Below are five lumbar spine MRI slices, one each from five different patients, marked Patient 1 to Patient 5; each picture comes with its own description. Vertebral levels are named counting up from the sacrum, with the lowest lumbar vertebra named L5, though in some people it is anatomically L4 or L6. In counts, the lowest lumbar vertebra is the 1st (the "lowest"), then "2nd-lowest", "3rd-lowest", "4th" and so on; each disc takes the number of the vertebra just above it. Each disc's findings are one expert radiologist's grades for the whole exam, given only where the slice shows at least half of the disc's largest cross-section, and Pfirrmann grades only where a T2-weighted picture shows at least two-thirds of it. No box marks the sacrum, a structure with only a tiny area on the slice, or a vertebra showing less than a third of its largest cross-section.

Patient 1 of 5:
512x652 px | T2 SPACE (3D) sagittal MRI of the lumbar spine | Field of view 240x306 mm
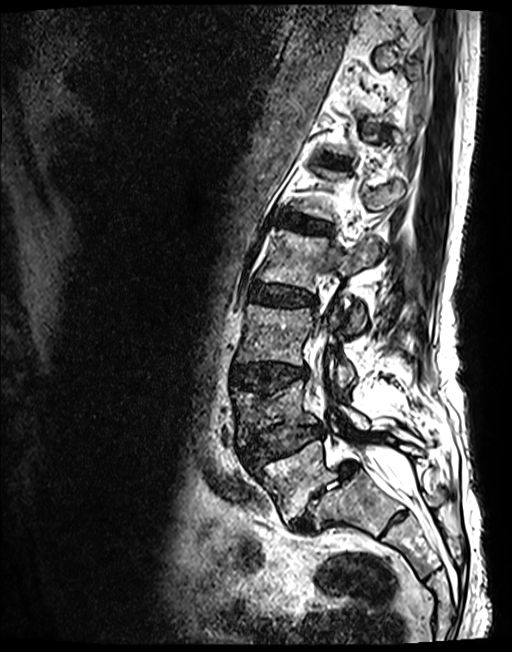

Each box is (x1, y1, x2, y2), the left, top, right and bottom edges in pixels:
L5/S1 (lowest disc) — (291, 461, 357, 532) | L4 (2nd-lowest vertebra) — (232, 380, 368, 445) | L5 (lowest vertebra) — (253, 440, 422, 521) | L2 (4th vertebra) — (259, 232, 379, 332) | L3 (3rd-lowest vertebra) — (238, 305, 354, 388) | intervertebral disc L3/L4 (3rd-lowest disc) — (232, 364, 307, 395) | L4/L5 (2nd-lowest disc) — (242, 425, 324, 465) | L2/L3 (4th disc) — (250, 284, 316, 306) | T12/L1 (6th disc) — (323, 156, 345, 165) | intervertebral disc L1/L2 (5th disc) — (279, 214, 329, 233) | spinal canal — (312, 330, 412, 494)

Radiological gradings:
• L2/L3 (4th disc): Pfirrmann grade 3, disc bulging
• L3/L4 (3rd-lowest disc): Pfirrmann grade 3, lower-endplate change, upper-endplate change, disc bulging
• L4/L5 (2nd-lowest disc): Pfirrmann grade 3, lower-endplate change, disc narrowing, upper-endplate change, disc herniation, spondylolisthesis
• L5/S1 (lowest disc): Pfirrmann grade 5, Modic type II, spondylolisthesis, disc narrowing, disc herniation
• L1/L2 (5th disc): no Modic or endplate change, herniation, narrowing, bulging or spondylolisthesis recorded

Patient 2 of 5:
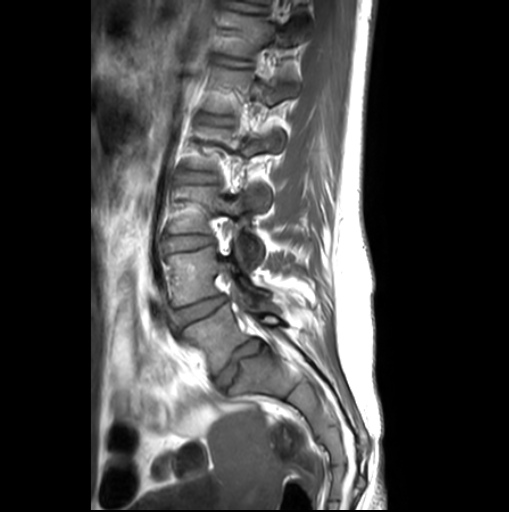
Sex F. MRI lumbar spine (T1-weighted), sagittal plane. 509x512 px.

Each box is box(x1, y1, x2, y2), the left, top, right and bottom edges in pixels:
Intervertebral disc L1/L2 at box(198, 113, 234, 126); L4 vertebra at box(168, 248, 268, 305); intervertebral disc L4/L5 at box(174, 296, 226, 326); L1 vertebra at box(205, 69, 299, 152); T12/L1 at box(215, 56, 250, 67); intervertebral disc L2/L3 at box(172, 168, 217, 185); L2 at box(189, 128, 272, 211); L3/L4 at box(163, 235, 213, 252); L5 at box(184, 302, 286, 374); L3 vertebra at box(169, 187, 263, 268); intervertebral disc L5/S1 at box(216, 339, 264, 387); T12 at box(223, 12, 313, 56).

Degenerative findings by level:
• L3/L4: disc bulging
• L5/S1: disc bulging, upper-endplate change, lower-endplate change
• L4/L5: disc bulging
• T12/L1, L2/L3, L1/L2: no herniation, bulging, narrowing, spondylolisthesis, endplate or Modic change recorded

Patient 3 of 5:
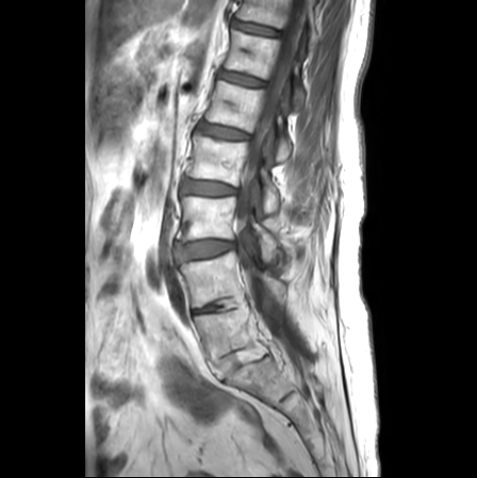 Sagittal T1-weighted lumbar spine MRI; Field of view 280x281 mm, slice spacing 3.3 mm

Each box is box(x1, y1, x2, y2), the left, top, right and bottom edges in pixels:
{"L1": "box(205, 81, 291, 160)", "T12/L1": "box(220, 71, 263, 86)", "L2/L3": "box(182, 179, 235, 194)", "L2": "box(186, 134, 279, 213)", "spinal canal": "box(235, 0, 307, 360)", "L4/L5": "box(194, 303, 223, 313)", "L1/L2": "box(198, 123, 247, 138)", "intervertebral disc L5/S1": "box(209, 350, 246, 379)", "T11/T12": "box(233, 21, 277, 35)", "L4 vertebra": "box(178, 251, 288, 307)", "T11": "box(236, 0, 317, 47)", "L5 vertebra": "box(194, 305, 268, 362)", "L3": "box(178, 196, 282, 261)", "L3/L4": "box(175, 240, 234, 261)", "T12": "box(225, 30, 304, 108)"}

Degenerative findings by level:
• L2/L3: disc bulging, upper-endplate change, lower-endplate change
• L4/L5: disc narrowing
• L3/L4: upper-endplate change, Modic type II, lower-endplate change, disc bulging
• L1/L2: upper-endplate change, lower-endplate change
• L5/S1, T11/T12, T12/L1: no Modic or endplate change, herniation, narrowing, bulging or spondylolisthesis recorded

Patient 4 of 5:
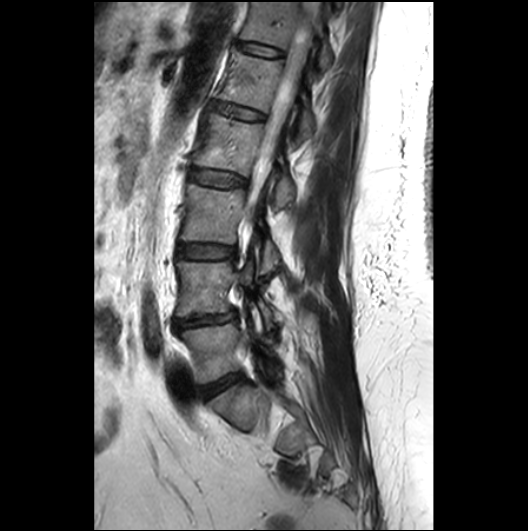
Image 528x531; Slice 18/26; MRI lumbar spine (T2-weighted), sagittal plane
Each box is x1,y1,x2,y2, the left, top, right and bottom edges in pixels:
5th disc at 211,102,265,120; lowest disc at 199,373,242,398; 4th disc at 190,167,246,187; 2nd-lowest vertebra at 177,261,277,331; 2nd-lowest disc at 173,309,237,331; 3rd-lowest disc at 178,243,237,258; 6th disc at 236,40,283,56; lowest vertebra at 181,323,273,383; 5th vertebra at 217,48,315,138; 3rd-lowest vertebra at 181,184,278,273; 6th vertebra at 240,1,332,69; thecal sac / spinal canal at 248,2,321,216; 4th vertebra at 193,113,295,207.

Radiological gradings:
  3rd-lowest disc: Pfirrmann grade 2
  6th disc: Pfirrmann grade 2
  4th disc: Pfirrmann grade 2
  5th disc: Pfirrmann grade 2
  2nd-lowest disc: Pfirrmann grade 3, disc narrowing, disc herniation

Patient 5 of 5:
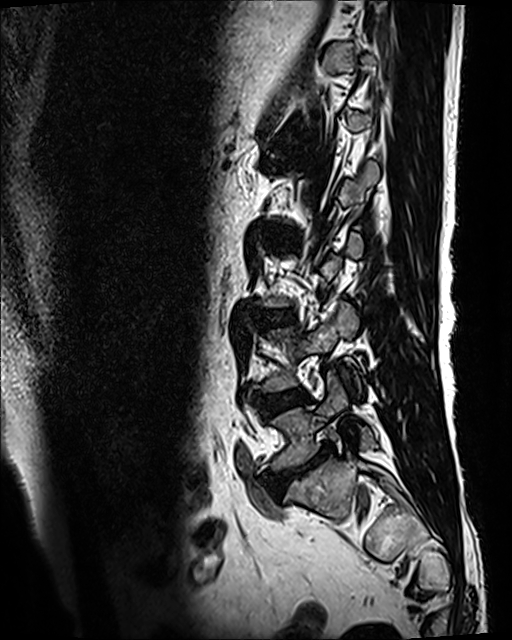

MRI lumbar spine (T2 SPACE (3D)), sagittal plane; 512x640 px
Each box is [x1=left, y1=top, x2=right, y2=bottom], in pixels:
Segmented structures:
- 2nd-lowest vertebra = [x1=262, y1=301, x2=360, y2=391]
- 2nd-lowest disc = [x1=260, y1=392, x2=306, y2=415]
- lowest disc = [x1=275, y1=445, x2=334, y2=489]
- lowest vertebra = [x1=272, y1=371, x2=376, y2=470]
- 3rd-lowest disc = [x1=257, y1=311, x2=291, y2=326]